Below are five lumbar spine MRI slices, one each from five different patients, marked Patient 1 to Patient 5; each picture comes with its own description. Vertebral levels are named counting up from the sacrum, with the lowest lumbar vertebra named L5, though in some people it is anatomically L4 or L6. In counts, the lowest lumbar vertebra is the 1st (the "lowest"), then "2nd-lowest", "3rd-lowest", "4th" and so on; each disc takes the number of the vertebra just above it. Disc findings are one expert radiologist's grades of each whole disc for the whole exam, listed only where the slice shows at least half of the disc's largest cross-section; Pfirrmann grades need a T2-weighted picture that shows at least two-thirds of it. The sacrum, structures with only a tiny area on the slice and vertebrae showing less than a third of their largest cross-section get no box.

Patient 1 of 5:
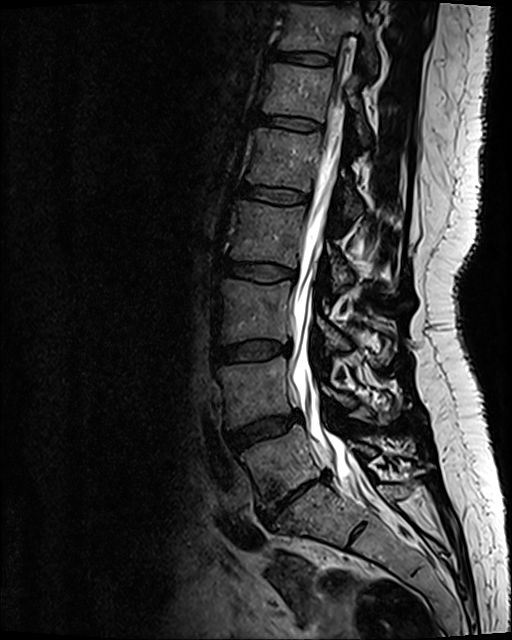

MRI lumbar spine (T2 SPACE (3D)), sagittal plane

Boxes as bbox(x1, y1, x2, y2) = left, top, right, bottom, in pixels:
L1 vertebra = bbox(248, 128, 361, 215).
T12/L1 = bbox(257, 114, 321, 131).
L3/L4 = bbox(212, 341, 290, 364).
L1/L2 = bbox(240, 184, 309, 204).
L3 = bbox(217, 281, 381, 364).
L4 = bbox(218, 357, 390, 427).
Thecal sac / spinal canal = bbox(290, 49, 374, 499).
T11 = bbox(279, 5, 377, 68).
IVD L2/L3 = bbox(221, 260, 295, 280).
T11/T12 = bbox(271, 49, 332, 63).
L5/S1 = bbox(260, 472, 329, 523).
L5 = bbox(241, 425, 375, 508).
IVD L4/L5 = bbox(227, 414, 300, 450).
T12 = bbox(263, 64, 369, 142).
L2 = bbox(231, 202, 397, 296).

Radiological gradings:
- T11/T12: Pfirrmann grade 2
- L3/L4: Pfirrmann grade 2, disc bulging
- L4/L5: Pfirrmann grade 3, disc bulging
- T12/L1: Pfirrmann grade 2
- L1/L2: Pfirrmann grade 2
- L2/L3: Pfirrmann grade 2
- L5/S1: disc bulging, upper-endplate change, disc narrowing, lower-endplate change, Modic type III, disc herniation

Patient 2 of 5:
Slice 69 of 120, Patient sex: M, SIEMENS Avanto_fit (1.5T), MRI lumbar spine (T2 SPACE (3D)), sagittal plane, Field of view 240x300 mm
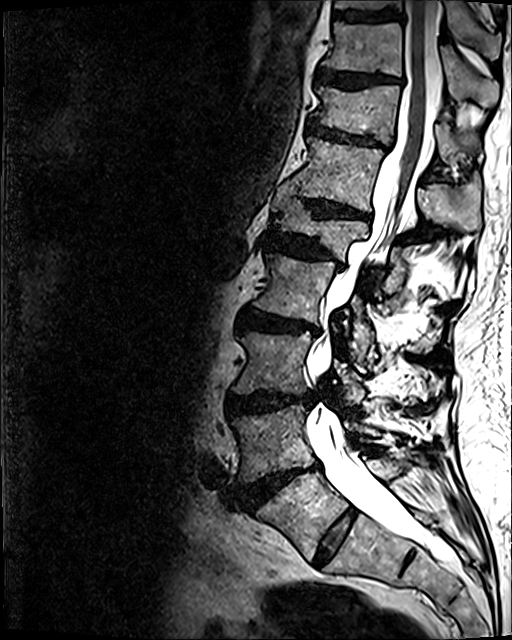 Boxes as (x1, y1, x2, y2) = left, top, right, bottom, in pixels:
Structures:
• L2: (252, 254, 439, 356)
• T9/T10: (334, 10, 400, 21)
• thecal sac / spinal canal: (307, 0, 452, 562)
• disc T11/T12: (307, 121, 387, 149)
• disc L4/L5: (242, 463, 320, 508)
• T11 vertebra: (311, 84, 480, 162)
• disc L2/L3: (239, 311, 319, 335)
• T9 vertebra: (335, 0, 501, 58)
• L1 vertebra: (271, 185, 414, 290)
• T10/T11: (318, 70, 401, 89)
• L3 vertebra: (231, 331, 431, 401)
• disc T12/L1: (304, 198, 369, 218)
• disc L3/L4: (225, 392, 313, 415)
• L5 vertebra: (256, 456, 436, 559)
• T10 vertebra: (323, 22, 499, 106)
• T12 vertebra: (288, 137, 480, 231)
• L1/L2: (265, 231, 341, 265)
• L4 vertebra: (232, 404, 383, 482)
• disc L5/S1: (313, 510, 356, 566)

Per-level radiological findings:
  L3/L4: Pfirrmann grade 4, upper-endplate change, disc bulging, lower-endplate change, disc narrowing
  T9/T10: Pfirrmann grade 3, lower-endplate change
  T11/T12: Pfirrmann grade 4, disc bulging, lower-endplate change, upper-endplate change, disc narrowing
  L1/L2: Pfirrmann grade 4, disc bulging, upper-endplate change, lower-endplate change, disc narrowing
  L2/L3: Pfirrmann grade 4, disc narrowing, Modic type II, upper-endplate change, disc bulging, lower-endplate change
  T10/T11: Pfirrmann grade 4, lower-endplate change, disc bulging, upper-endplate change
  T12/L1: Pfirrmann grade 4, lower-endplate change, upper-endplate change, disc narrowing, disc bulging
  L5/S1: Pfirrmann grade 2
  L4/L5: Pfirrmann grade 5, Modic type II, disc narrowing, upper-endplate change, disc herniation, disc bulging, lower-endplate change

Patient 3 of 5:
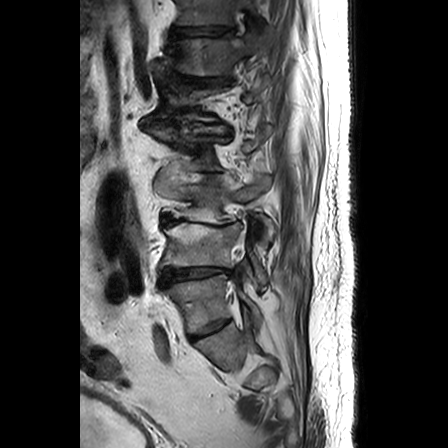 MRI lumbar spine (T2-weighted), sagittal plane, Slice 9/26, Field of view 280x280 mm
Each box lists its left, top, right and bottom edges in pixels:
L4/L5 at left=160, top=268, right=230, bottom=286.
T11 at left=176, top=0, right=263, bottom=27.
L4 vertebra at left=161, top=222, right=267, bottom=285.
Intervertebral disc T12/L1 at left=163, top=72, right=222, bottom=88.
L2/L3 at left=192, top=173, right=219, bottom=181.
L3/L4 at left=162, top=215, right=239, bottom=226.
L5/S1 at left=190, top=319, right=227, bottom=338.
T12 at left=158, top=30, right=262, bottom=75.
L5 vertebra at left=163, top=274, right=261, bottom=332.
Intervertebral disc T11/T12 at left=169, top=27, right=230, bottom=37.
L2 at left=152, top=126, right=270, bottom=170.
Intervertebral disc L1/L2 at left=151, top=120, right=228, bottom=133.
L3 at left=172, top=175, right=272, bottom=251.

Radiological gradings:
• L4/L5: Pfirrmann grade 5, disc bulging, disc narrowing, disc herniation, Modic type II
• T11/T12: Pfirrmann grade 3, disc bulging, disc narrowing, upper-endplate change
• T12/L1: Pfirrmann grade 4, disc herniation, disc bulging, disc narrowing
• L5/S1: disc narrowing
• L3/L4: Pfirrmann grade 5, disc bulging, Modic type II, disc herniation, disc narrowing
• L1/L2: Pfirrmann grade 4, disc bulging, disc narrowing

Patient 4 of 5:
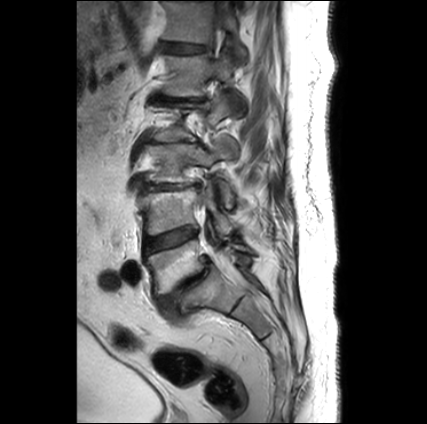 Sagittal slice index 18 | MRI lumbar spine (T2-weighted), sagittal plane | Field of view 284x281 mm, slice spacing 3.3 mm

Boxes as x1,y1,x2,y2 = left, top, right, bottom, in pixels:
Structures:
- L1/L2 — 155,95,205,103
- L2 — 149,95,236,154
- intervertebral disc L5/S1 — 158,256,210,314
- L3 vertebra — 145,140,233,207
- L3/L4 — 142,183,199,192
- T12 — 163,1,246,60
- L4 vertebra — 139,184,234,235
- thecal sac / spinal canal — 202,1,232,273
- L4/L5 — 143,229,196,253
- L5 vertebra — 144,240,251,296
- L1 vertebra — 159,52,243,102
- intervertebral disc T12/L1 — 163,42,206,53

Radiological gradings:
• L5/S1: Pfirrmann grade 5, spondylolisthesis, disc bulging, lower-endplate change, disc narrowing, upper-endplate change, Modic type II
• L1/L2: Pfirrmann grade 5, upper-endplate change, disc bulging, disc narrowing, disc herniation, Modic type II, lower-endplate change
• L4/L5: Pfirrmann grade 3, Modic type II
• L3/L4: upper-endplate change, lower-endplate change, Modic type II, disc narrowing, disc bulging
• T12/L1: Pfirrmann grade 2

Patient 5 of 5:
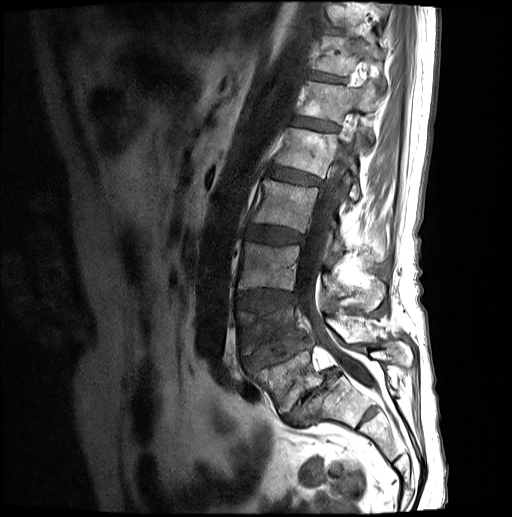 T1-weighted sagittal MRI of the lumbar spine
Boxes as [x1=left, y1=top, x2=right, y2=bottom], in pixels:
T11 vertebra = [x1=312, y1=36, x2=385, y2=86].
L5/S1 = [x1=283, y1=368, x2=338, y2=426].
T12 vertebra = [x1=298, y1=81, x2=378, y2=142].
L2 = [x1=252, y1=179, x2=383, y2=261].
L3 = [x1=238, y1=242, x2=385, y2=310].
L5 = [x1=249, y1=341, x2=412, y2=413].
Intervertebral disc L4/L5 = [x1=241, y1=337, x2=311, y2=369].
Intervertebral disc L2/L3 = [x1=246, y1=225, x2=303, y2=244].
Intervertebral disc T12/L1 = [x1=292, y1=118, x2=338, y2=131].
L1/L2 = [x1=269, y1=165, x2=321, y2=184].
Intervertebral disc L3/L4 = [x1=235, y1=290, x2=296, y2=310].
L1 vertebra = [x1=275, y1=128, x2=362, y2=200].
Intervertebral disc T11/T12 = [x1=311, y1=73, x2=345, y2=82].
L4 vertebra = [x1=236, y1=304, x2=373, y2=355].
Thecal sac / spinal canal = [x1=296, y1=131, x2=380, y2=392].

Per-level radiological findings:
  L3/L4: lower-endplate change, upper-endplate change, disc bulging
  L2/L3: disc bulging
  L5/S1: Modic type II, disc herniation, disc narrowing, spondylolisthesis
  L4/L5: disc herniation, spondylolisthesis, upper-endplate change, disc narrowing, lower-endplate change
  T12/L1, L1/L2: no spondylolisthesis, narrowing, bulging, herniation, Modic or endplate change recorded